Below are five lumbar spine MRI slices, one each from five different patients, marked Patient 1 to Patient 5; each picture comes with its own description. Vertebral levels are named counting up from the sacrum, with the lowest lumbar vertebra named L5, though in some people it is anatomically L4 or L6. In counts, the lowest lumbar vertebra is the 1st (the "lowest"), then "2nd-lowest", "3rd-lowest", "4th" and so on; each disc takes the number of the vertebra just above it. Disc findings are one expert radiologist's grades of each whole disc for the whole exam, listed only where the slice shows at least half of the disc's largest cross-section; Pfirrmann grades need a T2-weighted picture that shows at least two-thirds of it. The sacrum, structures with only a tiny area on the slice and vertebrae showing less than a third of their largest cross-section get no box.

Patient 1 of 5:
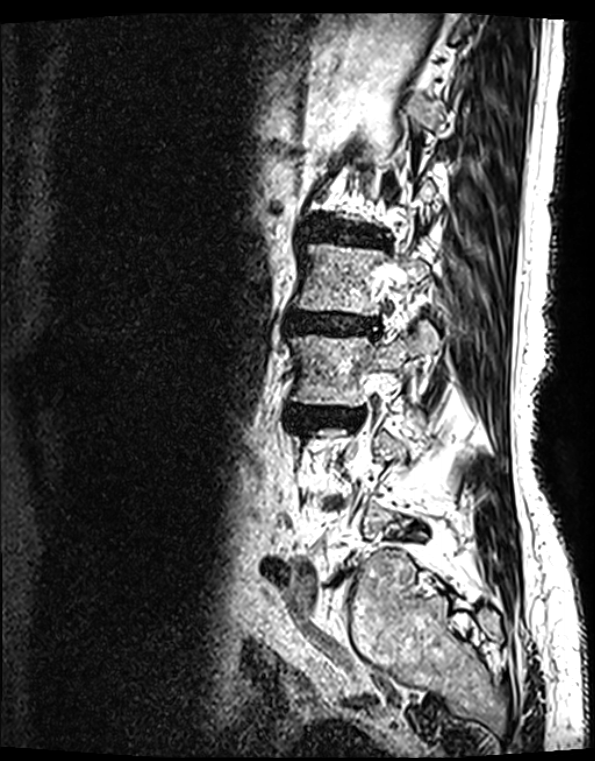
Slice 100 of 139; MRI lumbar spine (T2 SPACE (3D)), sagittal plane; 595x761 px
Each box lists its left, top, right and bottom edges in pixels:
* 3rd-lowest disc = left=287, top=406, right=362, bottom=429
* 4th vertebra = left=295, top=244, right=429, bottom=315
* 5th disc = left=307, top=229, right=378, bottom=244
* 3rd-lowest vertebra = left=289, top=322, right=440, bottom=406
* 4th disc = left=287, top=316, right=376, bottom=335

Degenerative findings by level:
- 5th disc: disc bulging, Modic type II, lower-endplate change, disc narrowing, upper-endplate change
- 3rd-lowest disc: Pfirrmann grade 4, disc narrowing, upper-endplate change, Modic type II, lower-endplate change, disc bulging
- 4th disc: Pfirrmann grade 4, disc bulging, lower-endplate change, disc narrowing, upper-endplate change, Modic type II

Patient 2 of 5:
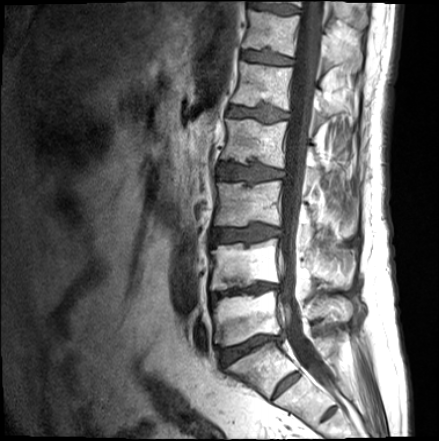 MRI lumbar spine (T1-weighted), sagittal plane

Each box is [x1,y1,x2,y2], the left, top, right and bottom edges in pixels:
T11 vertebra at [266,1,367,28], L4/L5 at [210,283,278,302], thecal sac / spinal canal at [280,0,329,386], intervertebral disc L5/S1 at [219,335,283,365], L2 at [221,119,325,184], L4 vertebra at [210,238,330,295], intervertebral disc L1/L2 at [229,106,286,121], L2/L3 at [219,163,283,180], L5 vertebra at [212,290,352,346], T12/L1 at [241,51,292,64], intervertebral disc T11/T12 at [249,2,299,14], L3 vertebra at [214,181,350,243], L1 at [232,61,335,122], T12 at [242,9,362,69], intervertebral disc L3/L4 at [212,226,279,244].

Degenerative findings by level:
• L4/L5: disc narrowing, upper-endplate change, disc bulging, Modic type II, lower-endplate change
• L5/S1: upper-endplate change, Modic type II, disc bulging, lower-endplate change, disc narrowing
• L1/L2: lower-endplate change, upper-endplate change
• L3/L4: disc bulging, lower-endplate change, upper-endplate change
• L2/L3: upper-endplate change, lower-endplate change
• T12/L1: lower-endplate change, upper-endplate change
• T11/T12: no Modic or endplate change, herniation, narrowing, bulging or spondylolisthesis recorded

Patient 3 of 5:
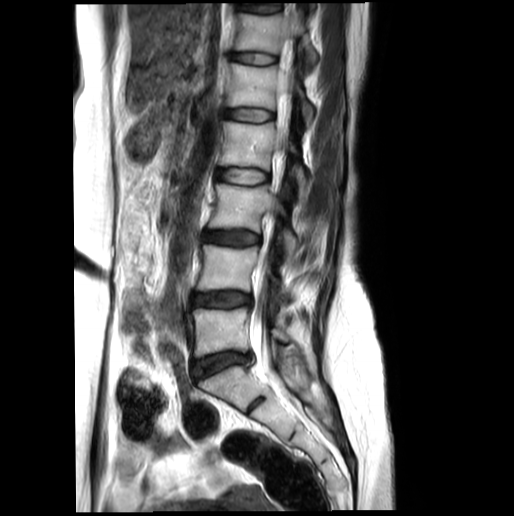 Patient sex: F; 514x516 px; Field of view 310x311 mm, slice spacing 4.4 mm; T2-weighted sagittal MRI of the lumbar spine
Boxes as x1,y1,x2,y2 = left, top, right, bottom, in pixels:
L5/S1 = 193,352,250,378.
L3 = 209,184,298,256.
T12/L1 = 231,53,277,64.
Thecal sac / spinal canal = 249,34,294,396.
T12 = 235,11,317,66.
L5 = 192,308,293,356.
Intervertebral disc L4/L5 = 192,291,251,307.
Intervertebral disc L2/L3 = 217,168,270,184.
L2 vertebra = 219,121,307,194.
L4 vertebra = 197,244,290,299.
L3/L4 = 204,231,261,245.
L1 = 227,63,313,124.
Intervertebral disc L1/L2 = 227,108,274,121.

Per-level radiological findings:
• L4/L5: Pfirrmann grade 3, disc bulging, disc narrowing
• L3/L4: Pfirrmann grade 3
• L1/L2: Pfirrmann grade 2
• L5/S1: Pfirrmann grade 3, disc bulging, disc narrowing
• L2/L3: Pfirrmann grade 2
• T12/L1: Pfirrmann grade 2

Patient 4 of 5:
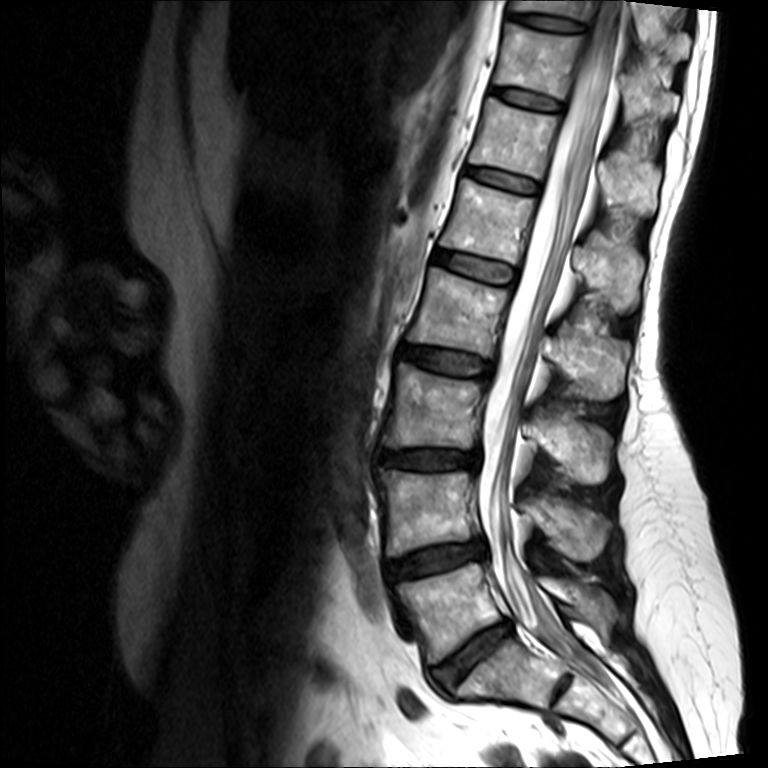
Patient sex: F. Lumbar spine MR, T2-weighted, sagittal.

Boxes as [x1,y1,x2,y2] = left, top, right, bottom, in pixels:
thecal sac / spinal canal: [478,0,625,654] | IVD T11/T12 (7th disc): [491,84,563,113] | IVD L4/L5 (2nd-lowest disc): [387,537,487,581] | L2/L3 (4th disc): [402,345,493,377] | L3 (3rd-lowest vertebra): [382,363,610,481] | L5 (lowest vertebra): [395,562,609,664] | L2 (4th vertebra): [408,266,602,398] | L5/S1 (lowest disc): [432,620,513,690] | L1/L2 (5th disc): [435,249,516,285] | L1 (5th vertebra): [441,178,642,304] | T12 (6th vertebra): [471,97,653,212] | T11 (7th vertebra): [494,22,643,119] | L4 (2nd-lowest vertebra): [379,470,605,560] | T12/L1 (6th disc): [466,165,539,194] | T10 (8th vertebra): [510,0,689,54] | T10/T11 (8th disc): [509,10,582,32] | IVD L3/L4 (3rd-lowest disc): [382,450,480,469]

Degenerative findings by level:
  L1/L2 (5th disc): Pfirrmann grade 2
  L2/L3 (4th disc): Pfirrmann grade 3, disc bulging
  L5/S1 (lowest disc): Pfirrmann grade 3, disc narrowing, disc bulging
  T12/L1 (6th disc): Pfirrmann grade 2
  T11/T12 (7th disc): Pfirrmann grade 2
  L4/L5 (2nd-lowest disc): Pfirrmann grade 3, disc herniation, Modic type II, disc bulging, disc narrowing
  L3/L4 (3rd-lowest disc): Pfirrmann grade 3, upper-endplate change, lower-endplate change, disc narrowing, disc bulging
  T10/T11 (8th disc): Pfirrmann grade 2

Patient 5 of 5:
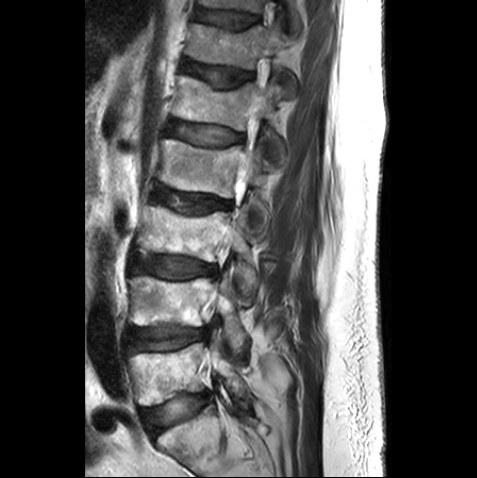

Patient sex: M | Sagittal T2-weighted lumbar spine MRI | Field of view 280x281 mm

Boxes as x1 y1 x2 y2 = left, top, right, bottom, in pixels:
7th disc at 196 8 258 28, lowest disc at 140 392 208 435, 6th disc at 183 62 252 86, 5th disc at 166 121 243 145, 6th vertebra at 186 21 296 96, 2nd-lowest disc at 128 326 208 352, lowest vertebra at 128 343 249 405, 2nd-lowest vertebra at 129 276 245 354, 4th vertebra at 157 139 267 224, 5th vertebra at 172 75 284 159, 7th vertebra at 200 0 300 31, 4th disc at 152 187 231 213, thecal sac / spinal canal at 238 111 254 180, 3rd-lowest vertebra at 136 204 255 306, 3rd-lowest disc at 133 255 216 278.

Expert MSK radiologist gradings (per disc):
  2nd-lowest disc: Pfirrmann grade 2, lower-endplate change
  7th disc: Pfirrmann grade 2
  4th disc: Pfirrmann grade 3, upper-endplate change
  6th disc: Pfirrmann grade 3, upper-endplate change
  3rd-lowest disc: Pfirrmann grade 2
  5th disc: Pfirrmann grade 3
  lowest disc: no spondylolisthesis, narrowing, bulging, herniation, Modic or endplate change recorded